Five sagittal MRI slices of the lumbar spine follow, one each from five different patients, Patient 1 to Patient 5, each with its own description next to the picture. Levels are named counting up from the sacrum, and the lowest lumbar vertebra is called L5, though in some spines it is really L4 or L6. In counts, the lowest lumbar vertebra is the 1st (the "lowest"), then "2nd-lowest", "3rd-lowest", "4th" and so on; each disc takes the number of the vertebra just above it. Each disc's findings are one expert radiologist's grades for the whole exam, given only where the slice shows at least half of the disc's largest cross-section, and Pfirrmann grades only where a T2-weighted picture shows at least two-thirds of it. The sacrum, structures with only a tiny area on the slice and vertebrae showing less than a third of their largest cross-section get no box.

Patient 1 of 5:
Patient sex: F. Slice 5 of 15. Lumbar spine MR, T1-weighted, sagittal. 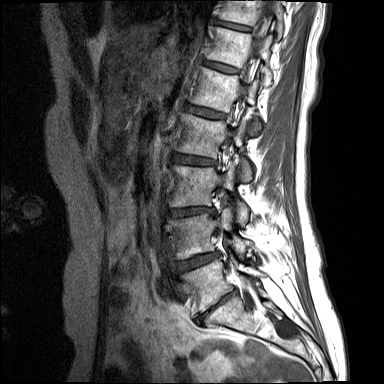
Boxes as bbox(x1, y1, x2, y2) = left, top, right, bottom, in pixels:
Annotations:
* 7th disc — bbox(216, 20, 250, 30)
* 3rd-lowest vertebra — bbox(169, 162, 248, 225)
* 7th vertebra — bbox(219, 0, 283, 39)
* 6th disc — bbox(206, 61, 237, 73)
* lowest disc — bbox(198, 291, 236, 320)
* 4th disc — bbox(173, 154, 215, 164)
* 2nd-lowest disc — bbox(178, 252, 217, 272)
* 6th vertebra — bbox(208, 27, 272, 85)
* 4th vertebra — bbox(177, 113, 251, 181)
* 3rd-lowest disc — bbox(168, 207, 214, 216)
* 5th vertebra — bbox(191, 67, 260, 136)
* lowest vertebra — bbox(182, 254, 265, 314)
* 2nd-lowest vertebra — bbox(168, 206, 252, 258)
* 5th disc — bbox(186, 104, 225, 118)

Degenerative findings by level:
  2nd-lowest disc: disc bulging, Modic type II
  5th disc: Modic type II
  4th disc: Modic type II, disc bulging, upper-endplate change
  lowest disc: Modic type II, disc narrowing, lower-endplate change, disc bulging, upper-endplate change
  3rd-lowest disc: Modic type II, disc narrowing, disc bulging
  6th disc, 7th disc: no spondylolisthesis, narrowing, bulging, herniation, Modic or endplate change recorded

Patient 2 of 5:
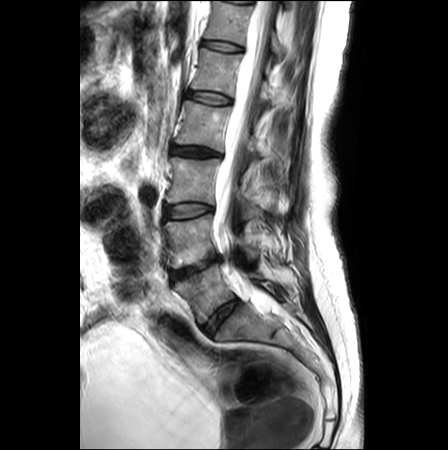

Lumbar spine MR, T2-weighted, sagittal. Image 448x450. Sagittal slice index 11.
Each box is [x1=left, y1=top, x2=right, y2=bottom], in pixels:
4th disc: [x1=171, y1=146, x2=219, y2=156] | 3rd-lowest vertebra: [x1=167, y1=157, x2=253, y2=218] | spinal canal: [x1=213, y1=0, x2=275, y2=312] | lowest disc: [x1=202, y1=300, x2=240, y2=334] | 6th disc: [x1=202, y1=40, x2=241, y2=51] | 6th vertebra: [x1=205, y1=1, x2=284, y2=58] | 2nd-lowest disc: [x1=170, y1=257, x2=219, y2=280] | 5th vertebra: [x1=192, y1=48, x2=280, y2=106] | 2nd-lowest vertebra: [x1=164, y1=215, x2=259, y2=269] | lowest vertebra: [x1=175, y1=264, x2=271, y2=323] | 4th vertebra: [x1=175, y1=100, x2=262, y2=156] | 3rd-lowest disc: [x1=165, y1=204, x2=211, y2=218] | 5th disc: [x1=188, y1=92, x2=230, y2=104]

Per-level radiological findings:
- 6th disc: Pfirrmann grade 1
- lowest disc: Pfirrmann grade 2
- 4th disc: Pfirrmann grade 3, disc bulging
- 2nd-lowest disc: Pfirrmann grade 4, upper-endplate change, Modic type II, disc narrowing, lower-endplate change, disc herniation
- 5th disc: Pfirrmann grade 1
- 3rd-lowest disc: Pfirrmann grade 1, disc bulging

Patient 3 of 5:
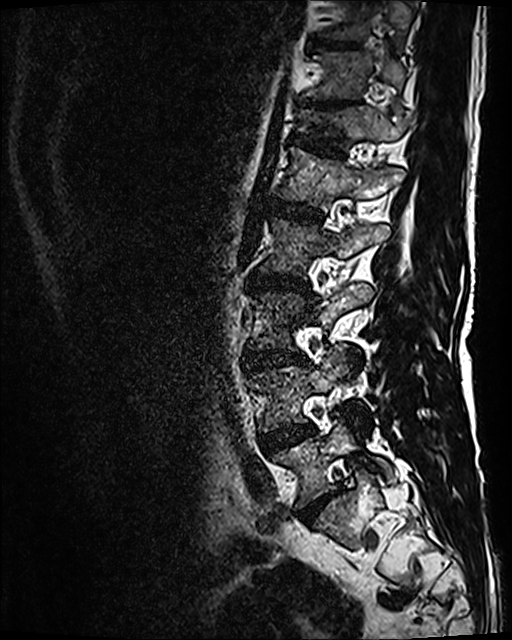 Sagittal slice index 80. Lumbar spine MR, T2 SPACE (3D), sagittal.

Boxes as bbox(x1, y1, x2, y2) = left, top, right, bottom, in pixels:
L5 vertebra at bbox(273, 419, 392, 506).
L2/L3 at bbox(249, 272, 308, 289).
L1 vertebra at bbox(278, 148, 405, 210).
T12 at bbox(301, 106, 411, 149).
L4 vertebra at bbox(254, 346, 350, 431).
L2 at bbox(260, 219, 390, 276).
L3 vertebra at bbox(257, 282, 373, 347).
L5/S1 at bbox(298, 491, 338, 523).
T12/L1 at bbox(292, 133, 343, 155).
IVD L3/L4 at bbox(244, 350, 304, 365).
T10 at bbox(328, 0, 410, 38).
IVD L4/L5 at bbox(260, 425, 314, 451).
IVD T10/T11 at bbox(316, 42, 354, 48).
T11 vertebra at bbox(305, 52, 405, 99).
IVD L1/L2 at bbox(272, 198, 322, 223).
IVD T11/T12 at bbox(318, 101, 350, 105).

Degenerative findings by level:
  T12/L1: lower-endplate change, upper-endplate change
  L3/L4: disc bulging, Modic type II, disc narrowing
  L4/L5: Pfirrmann grade 3, Modic type II, disc bulging
  L2/L3: Modic type II, disc bulging
  L1/L2: no spondylolisthesis, narrowing, bulging, herniation, Modic or endplate change recorded

Patient 4 of 5:
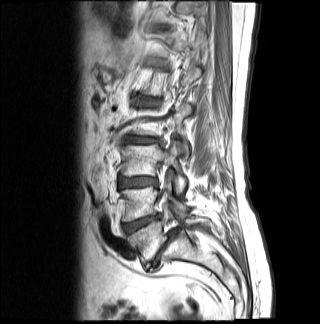 Field of view 260x263 mm, slice spacing 4.7 mm, Image 320x324, Sagittal T1-weighted lumbar spine MRI
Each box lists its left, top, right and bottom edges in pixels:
L4 vertebra: left=122, top=184, right=188, bottom=221.
L4/L5: left=123, top=215, right=161, bottom=233.
L5 vertebra: left=127, top=209, right=212, bottom=262.
L3 vertebra: left=121, top=140, right=186, bottom=192.
Disc L3/L4: left=120, top=177, right=156, bottom=187.
Disc L5/S1: left=149, top=228, right=178, bottom=271.
L2/L3: left=125, top=136, right=158, bottom=144.

Radiological gradings:
• L3/L4: disc bulging
• L2/L3: Modic type II, disc narrowing, disc bulging
• L5/S1: disc herniation, disc bulging, spondylolisthesis, disc narrowing, Modic type II, upper-endplate change, lower-endplate change
• L4/L5: Modic type II, disc narrowing

Patient 5 of 5:
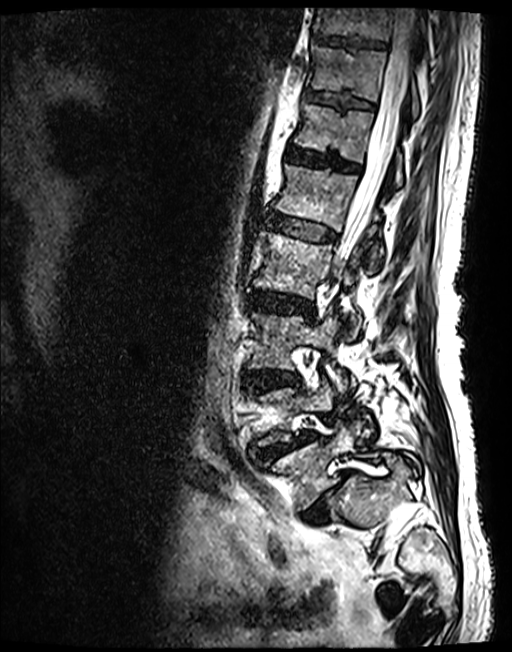

Sagittal T2 SPACE (3D) lumbar spine MRI.
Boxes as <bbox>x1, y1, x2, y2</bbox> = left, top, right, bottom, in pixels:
Intervertebral disc T12/L1 (6th disc) at <bbox>286, 146, 359, 172</bbox>, T10 (8th vertebra) at <bbox>314, 7, 423, 40</bbox>, T10/T11 (8th disc) at <bbox>314, 34, 384, 48</bbox>, L5/S1 (lowest disc) at <bbox>301, 469, 351, 522</bbox>, T11/T12 (7th disc) at <bbox>305, 90, 372, 108</bbox>, thecal sac / spinal canal at <bbox>330, 7, 419, 284</bbox>, L1/L2 (5th disc) at <bbox>268, 214, 334, 241</bbox>, L5 (lowest vertebra) at <bbox>261, 425, 419, 509</bbox>, T11 (7th vertebra) at <bbox>309, 47, 419, 118</bbox>, L4 (2nd-lowest vertebra) at <bbox>250, 380, 334, 445</bbox>, L3/L4 (3rd-lowest disc) at <bbox>244, 371, 300, 390</bbox>, L1 (5th vertebra) at <bbox>274, 164, 383, 268</bbox>, L2 (4th vertebra) at <bbox>253, 231, 362, 339</bbox>, intervertebral disc L4/L5 (2nd-lowest disc) at <bbox>256, 431, 315, 460</bbox>, T12 (6th vertebra) at <bbox>294, 104, 404, 186</bbox>, L3 (3rd-lowest vertebra) at <bbox>246, 312, 349, 392</bbox>, intervertebral disc L2/L3 (4th disc) at <bbox>246, 291, 313, 313</bbox>.

Per-level radiological findings:
  T10/T11 (8th disc): Pfirrmann grade 3
  T11/T12 (7th disc): Pfirrmann grade 3
  L3/L4 (3rd-lowest disc): lower-endplate change, disc bulging, upper-endplate change
  L1/L2 (5th disc): Pfirrmann grade 3
  L2/L3 (4th disc): Pfirrmann grade 3, disc bulging
  T12/L1 (6th disc): Pfirrmann grade 3